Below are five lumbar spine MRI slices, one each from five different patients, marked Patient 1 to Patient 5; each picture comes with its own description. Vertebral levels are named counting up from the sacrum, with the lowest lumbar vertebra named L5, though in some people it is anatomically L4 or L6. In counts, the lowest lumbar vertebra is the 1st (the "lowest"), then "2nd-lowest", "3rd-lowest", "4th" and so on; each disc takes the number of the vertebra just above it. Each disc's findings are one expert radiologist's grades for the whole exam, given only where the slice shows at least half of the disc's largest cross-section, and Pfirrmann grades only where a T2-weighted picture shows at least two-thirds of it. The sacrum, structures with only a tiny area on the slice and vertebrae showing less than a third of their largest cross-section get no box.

Patient 1 of 5:
SIEMENS Aera (1.5T). Sagittal T2-weighted lumbar spine MRI.
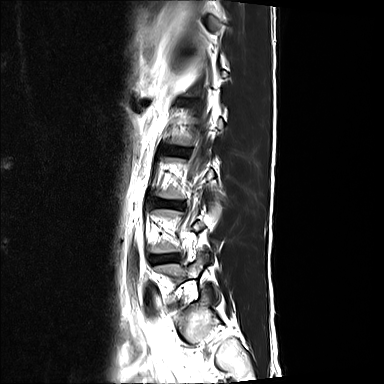
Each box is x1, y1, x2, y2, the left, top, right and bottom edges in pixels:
3rd-lowest disc at 155, 200, 181, 207; 2nd-lowest disc at 149, 255, 178, 263; 4th disc at 169, 147, 184, 154.

Patient 2 of 5:
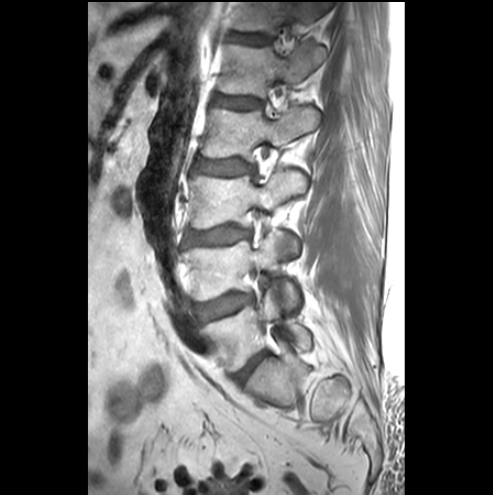

Sex M | Field of view 280x281 mm | MRI lumbar spine (T1-weighted), sagittal plane
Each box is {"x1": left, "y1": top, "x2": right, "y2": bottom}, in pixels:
Segmented structures:
• L4 at {"x1": 183, "y1": 233, "x2": 297, "y2": 307}
• L4/L5 at {"x1": 194, "y1": 294, "x2": 252, "y2": 321}
• L5 vertebra at {"x1": 203, "y1": 288, "x2": 310, "y2": 372}
• L3/L4 at {"x1": 185, "y1": 227, "x2": 250, "y2": 244}
• L2/L3 at {"x1": 194, "y1": 159, "x2": 253, "y2": 174}
• L1 vertebra at {"x1": 217, "y1": 43, "x2": 326, "y2": 96}
• L3 vertebra at {"x1": 189, "y1": 170, "x2": 305, "y2": 255}
• IVD L1/L2 at {"x1": 213, "y1": 94, "x2": 261, "y2": 109}
• L5/S1 at {"x1": 234, "y1": 352, "x2": 265, "y2": 382}
• L2 at {"x1": 201, "y1": 107, "x2": 318, "y2": 159}
• T12 at {"x1": 233, "y1": 2, "x2": 321, "y2": 31}
• IVD T12/L1 at {"x1": 228, "y1": 32, "x2": 270, "y2": 44}

Per-level radiological findings:
• L3/L4: disc bulging
• L4/L5: Modic type III, disc bulging
• L2/L3, L1/L2, T12/L1: no herniation, bulging, narrowing, spondylolisthesis, endplate or Modic change recorded

Patient 3 of 5:
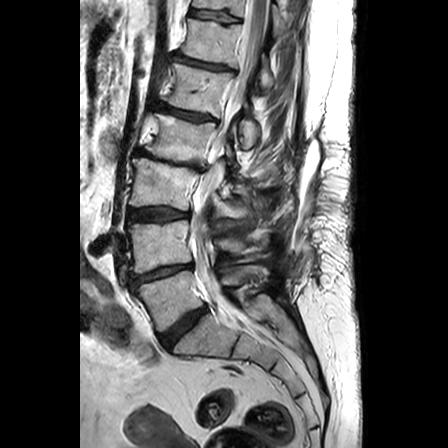
T2-weighted sagittal MRI of the lumbar spine, Slice 11/24

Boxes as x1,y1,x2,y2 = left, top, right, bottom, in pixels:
4th vertebra: 145,113,242,177 | 6th vertebra: 181,18,273,89 | 7th disc: 190,9,238,21 | 6th disc: 172,53,230,70 | 3rd-lowest disc: 129,207,189,221 | 7th vertebra: 193,0,286,36 | lowest disc: 160,306,206,348 | thecal sac / spinal canal: 191,0,268,299 | 4th disc: 136,149,202,171 | 2nd-lowest vertebra: 128,220,259,273 | 2nd-lowest disc: 131,263,192,285 | 5th disc: 157,104,213,120 | lowest vertebra: 135,266,267,331 | 5th vertebra: 163,63,259,148 | 3rd-lowest vertebra: 129,158,246,217

Degenerative findings by level:
- 6th disc: Pfirrmann grade 3, disc narrowing
- 3rd-lowest disc: Pfirrmann grade 3, disc bulging
- 5th disc: Pfirrmann grade 3, Modic type II, disc narrowing
- lowest disc: Pfirrmann grade 3, disc bulging
- 2nd-lowest disc: Pfirrmann grade 4, disc narrowing, disc bulging
- 7th disc: Pfirrmann grade 1

Patient 4 of 5:
Slice 10 of 17. Lumbar spine MR, T1-weighted, sagittal. 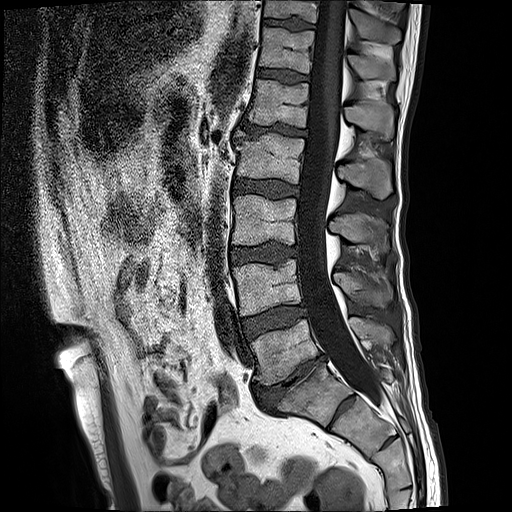

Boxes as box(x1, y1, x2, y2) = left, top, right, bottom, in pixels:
5th disc at box(236, 122, 306, 141).
3rd-lowest disc at box(229, 244, 299, 264).
6th disc at box(257, 68, 307, 83).
Spinal canal at box(298, 0, 381, 406).
2nd-lowest vertebra at box(234, 260, 381, 316).
3rd-lowest vertebra at box(233, 195, 365, 245).
Lowest disc at box(255, 355, 325, 408).
7th disc at box(263, 18, 313, 29).
4th disc at box(233, 178, 299, 197).
4th vertebra at box(236, 134, 391, 197).
6th vertebra at box(258, 28, 396, 82).
Lowest vertebra at box(251, 318, 389, 385).
2nd-lowest disc at box(244, 306, 305, 337).
5th vertebra at box(247, 81, 393, 138).
7th vertebra at box(265, 0, 401, 44).

Expert MSK radiologist gradings (per disc):
• 2nd-lowest disc: Modic type II
• lowest disc: lower-endplate change, upper-endplate change, disc narrowing, disc bulging, Modic type II
• 7th disc: upper-endplate change, lower-endplate change
• 3rd-lowest disc: lower-endplate change, disc bulging, upper-endplate change
• 5th disc: disc narrowing, disc bulging, upper-endplate change, Modic type II, lower-endplate change
• 6th disc, 4th disc: no Modic or endplate change, herniation, narrowing, bulging or spondylolisthesis recorded

Patient 5 of 5:
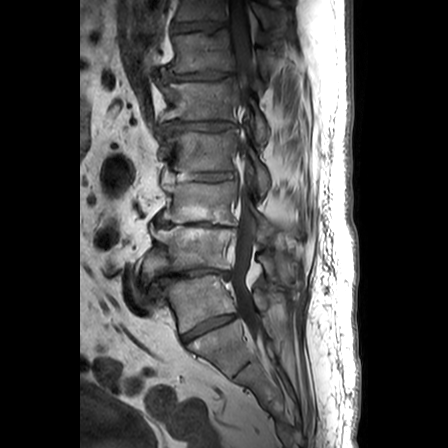 Image 448x448 | Slice 13 of 26 | MRI lumbar spine (T1-weighted), sagittal plane
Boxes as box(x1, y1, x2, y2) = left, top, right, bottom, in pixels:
IVD L4/L5 at box(148, 268, 228, 286); IVD T12/L1 at box(160, 71, 231, 81); L5/S1 at box(182, 315, 234, 341); L1 at box(160, 78, 269, 142); L3 at box(161, 182, 294, 236); L4 at box(143, 225, 295, 283); L2 vertebra at box(155, 129, 270, 195); IVD L2/L3 at box(171, 171, 233, 180); L5 vertebra at box(158, 275, 281, 332); thecal sac / spinal canal at box(228, 0, 260, 342); L1/L2 at box(161, 121, 231, 130); T12 vertebra at box(168, 30, 267, 79); IVD T11/T12 at box(172, 21, 226, 33); L3/L4 at box(154, 218, 232, 227); T11 vertebra at box(175, 0, 290, 29).

Expert MSK radiologist gradings (per disc):
- L3/L4: Modic type II, disc bulging, disc herniation, disc narrowing
- L5/S1: disc narrowing
- T12/L1: disc bulging, disc narrowing, disc herniation
- L2/L3: disc narrowing, disc bulging
- L4/L5: disc narrowing, disc herniation, disc bulging, Modic type II
- T11/T12: disc bulging, upper-endplate change, disc narrowing
- L1/L2: disc bulging, disc narrowing